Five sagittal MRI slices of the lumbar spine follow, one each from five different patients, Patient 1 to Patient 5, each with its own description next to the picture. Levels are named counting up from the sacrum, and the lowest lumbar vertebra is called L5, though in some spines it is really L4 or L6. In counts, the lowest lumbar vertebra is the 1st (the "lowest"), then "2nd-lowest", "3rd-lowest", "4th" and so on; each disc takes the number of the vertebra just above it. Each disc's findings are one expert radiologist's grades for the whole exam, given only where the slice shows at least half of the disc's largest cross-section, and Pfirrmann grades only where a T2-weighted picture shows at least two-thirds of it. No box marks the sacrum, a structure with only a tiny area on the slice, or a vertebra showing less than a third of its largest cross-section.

Patient 1 of 5:
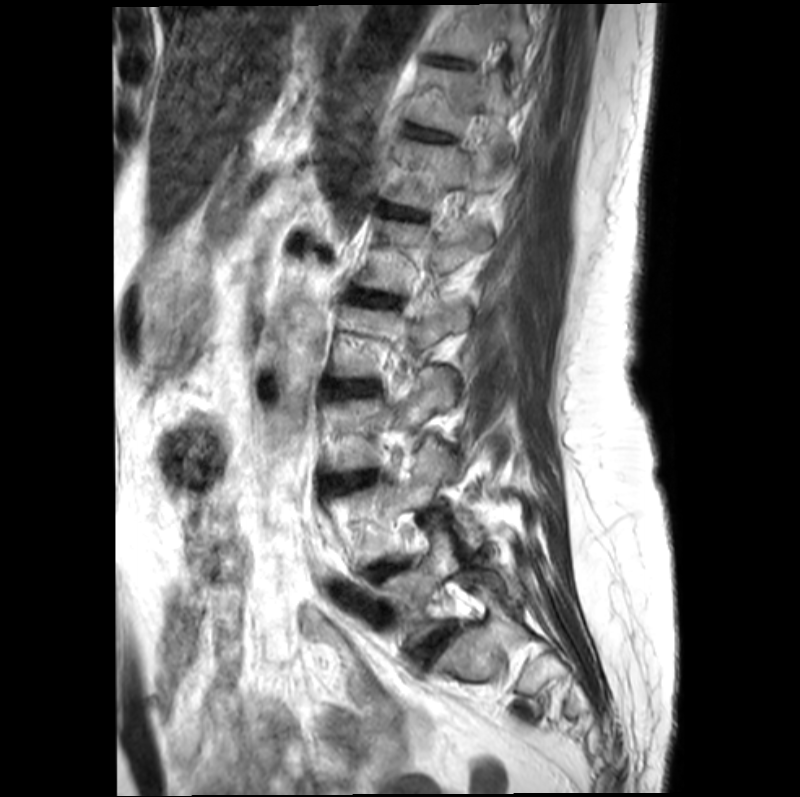

T2-weighted sagittal MRI of the lumbar spine, 800x797 px

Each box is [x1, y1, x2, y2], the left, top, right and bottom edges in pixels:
- L3/L4 at [327, 472, 374, 492]
- L5/S1 at [413, 621, 457, 669]
- L5 at [380, 532, 459, 650]
- T11 vertebra at [413, 66, 509, 154]
- intervertebral disc L1/L2 at [348, 290, 394, 304]
- L2 at [328, 305, 467, 377]
- T10/T11 at [437, 57, 462, 65]
- L4 at [343, 444, 478, 559]
- L2/L3 at [322, 381, 374, 395]
- L4/L5 at [354, 560, 405, 595]
- L1 at [353, 219, 487, 292]
- L3 at [325, 368, 454, 473]
- T12/L1 at [392, 209, 415, 216]
- T12 vertebra at [385, 141, 496, 209]
- T10 at [432, 4, 529, 58]
- intervertebral disc T11/T12 at [414, 131, 449, 140]

Radiological gradings:
  L5/S1: Modic type II

Patient 2 of 5:
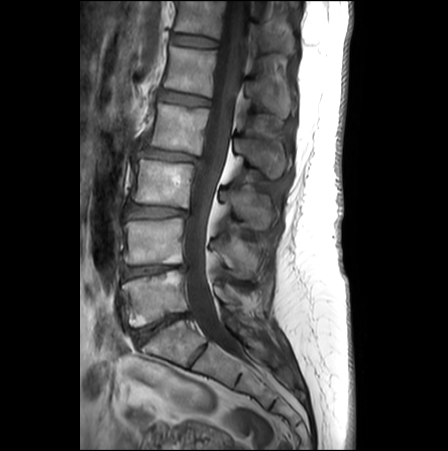

T1-weighted sagittal MRI of the lumbar spine. Image 448x451.
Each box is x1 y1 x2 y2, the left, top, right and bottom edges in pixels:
L2 vertebra = 150 104 288 177.
Disc L3/L4 = 127 204 187 218.
L4/L5 = 122 265 185 279.
L4 vertebra = 123 217 265 277.
Disc L1/L2 = 160 90 209 105.
Disc L5/S1 = 134 313 188 344.
Disc L2/L3 = 142 148 200 162.
T12/L1 = 171 33 217 47.
T12 = 175 0 295 54.
Spinal canal = 182 0 247 352.
L1 = 164 46 290 116.
L5 = 122 269 236 327.
L3 vertebra = 134 159 276 229.

Per-level radiological findings:
  L3/L4: disc bulging, Modic type II
  L5/S1: disc bulging, Modic type II, disc narrowing
  L2/L3: disc narrowing, disc bulging
  L4/L5: disc bulging, disc narrowing, Modic type II, upper-endplate change
  T12/L1, L1/L2: no Modic or endplate change, herniation, narrowing, bulging or spondylolisthesis recorded

Patient 3 of 5:
Sagittal slice index 13; Lumbar spine MR, T2-weighted, sagittal; Patient sex: F; Scanner: Philips Medical Systems Ingenia (1.5T)

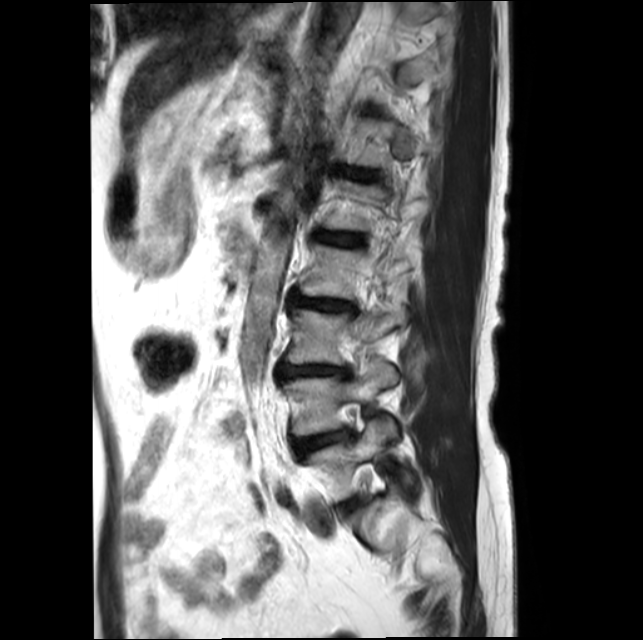

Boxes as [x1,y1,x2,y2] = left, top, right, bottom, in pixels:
Structures:
* L4 = [283,360,397,435]
* L3 = [286,303,405,364]
* IVD L4/L5 = [293,430,351,454]
* L3/L4 = [278,365,349,378]
* T12/L1 = [341,168,375,180]
* L2 vertebra = [299,244,416,299]
* L5 = [307,418,412,501]
* T12 = [343,119,422,167]
* IVD L2/L3 = [292,295,355,311]
* L1 = [321,180,428,231]
* L5/S1 = [341,498,360,512]
* L1/L2 = [316,232,362,246]

Per-level radiological findings:
  L3/L4: Pfirrmann grade 3, lower-endplate change, Modic type II, disc bulging, upper-endplate change, disc narrowing
  L2/L3: Pfirrmann grade 3, upper-endplate change, disc bulging, disc narrowing, lower-endplate change, Modic type II
  L4/L5: lower-endplate change, disc bulging, upper-endplate change, Modic type II
  L1/L2: Pfirrmann grade 2, Modic type II
  T12/L1: no herniation, bulging, narrowing, spondylolisthesis, endplate or Modic change recorded

Patient 4 of 5:
Lumbar spine MR, T2-weighted, sagittal. Image 448x455.

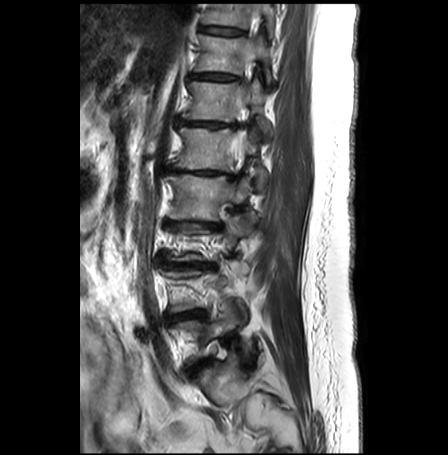
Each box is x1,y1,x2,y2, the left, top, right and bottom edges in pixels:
Structures:
- 3rd-lowest disc: 158,254,215,269
- 7th disc: 191,73,236,80
- thecal sac / spinal canal: 231,19,258,162
- 4th disc: 162,219,222,229
- 2nd-lowest disc: 165,309,203,322
- 7th vertebra: 196,34,277,89
- 8th vertebra: 202,4,276,37
- lowest vertebra: 174,301,250,359
- 4th vertebra: 166,174,252,220
- 8th disc: 200,26,241,35
- 5th vertebra: 172,127,267,188
- 5th disc: 166,167,232,179
- 6th disc: 178,119,233,127
- 6th vertebra: 182,79,272,142

Expert MSK radiologist gradings (per disc):
  4th disc: upper-endplate change, lower-endplate change, Modic type II, disc bulging, disc narrowing
  6th disc: Pfirrmann grade 4, disc narrowing, Modic type II, upper-endplate change, disc bulging, lower-endplate change
  5th disc: Pfirrmann grade 5, disc bulging, Modic type II, lower-endplate change, upper-endplate change, disc narrowing
  3rd-lowest disc: lower-endplate change, disc bulging, upper-endplate change, Modic type II, disc narrowing
  8th disc: Pfirrmann grade 1
  7th disc: Pfirrmann grade 2, disc bulging

Patient 5 of 5:
Lumbar spine MR, T1-weighted, sagittal; Slice 9 of 15

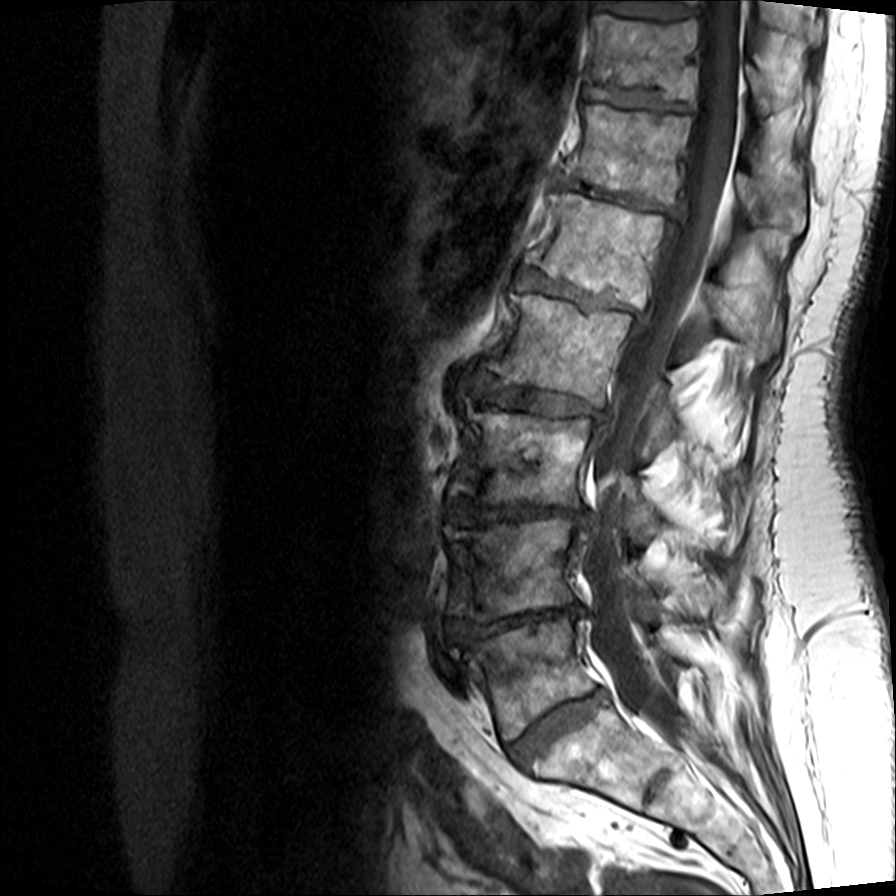

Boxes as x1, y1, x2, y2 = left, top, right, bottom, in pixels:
Segmented structures:
• lowest vertebra at 465, 618, 688, 740
• 4th disc at 464, 373, 604, 420
• thecal sac / spinal canal at 589, 0, 741, 764
• 7th disc at 586, 84, 693, 111
• 5th vertebra at 528, 192, 781, 359
• 6th vertebra at 567, 102, 806, 233
• 4th vertebra at 484, 293, 679, 444
• 2nd-lowest vertebra at 445, 516, 722, 619
• 7th vertebra at 592, 12, 795, 115
• lowest disc at 509, 691, 604, 765
• 3rd-lowest disc at 447, 498, 597, 531
• 5th disc at 517, 270, 646, 319
• 6th disc at 563, 177, 674, 213
• 3rd-lowest vertebra at 451, 406, 658, 534
• 2nd-lowest disc at 449, 604, 592, 644

Radiological gradings:
• 7th disc: lower-endplate change, upper-endplate change, disc narrowing, Modic type II
• 5th disc: lower-endplate change, upper-endplate change, disc bulging, disc narrowing, Modic type II
• 3rd-lowest disc: lower-endplate change, Modic type II, disc narrowing, disc herniation, upper-endplate change
• 6th disc: upper-endplate change, lower-endplate change, disc bulging, disc narrowing, Modic type II
• 4th disc: Modic type II, lower-endplate change, disc bulging, disc narrowing, upper-endplate change
• 2nd-lowest disc: disc herniation, disc narrowing, upper-endplate change, Modic type II, lower-endplate change
• lowest disc: Modic type II, lower-endplate change, disc bulging, disc narrowing, upper-endplate change